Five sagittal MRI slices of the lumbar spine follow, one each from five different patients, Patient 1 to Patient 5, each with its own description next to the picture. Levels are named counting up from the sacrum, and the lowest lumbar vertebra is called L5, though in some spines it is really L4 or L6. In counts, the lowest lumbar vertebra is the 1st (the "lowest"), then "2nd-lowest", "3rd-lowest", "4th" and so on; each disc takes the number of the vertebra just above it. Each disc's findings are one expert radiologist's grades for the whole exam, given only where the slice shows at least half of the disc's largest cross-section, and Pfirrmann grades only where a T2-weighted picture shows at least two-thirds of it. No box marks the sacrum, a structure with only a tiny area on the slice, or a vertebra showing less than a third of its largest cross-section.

Patient 1 of 5:
Sagittal slice index 15; Lumbar spine MR, T1-weighted, sagittal; Sex M 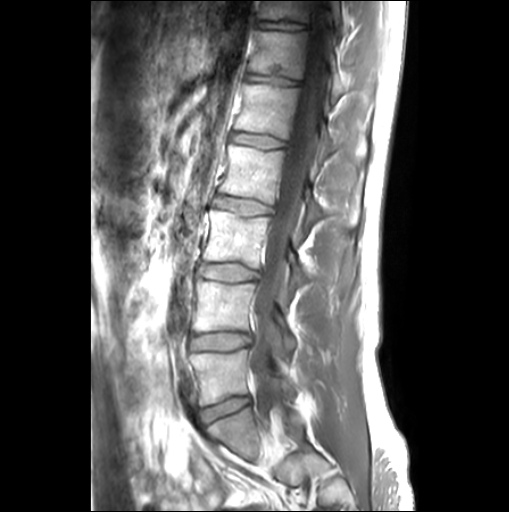 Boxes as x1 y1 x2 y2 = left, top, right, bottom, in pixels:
Segmented structures:
- lowest vertebra at 190 349 296 405
- 6th disc at 247 74 300 85
- 4th vertebra at 218 144 358 231
- spinal canal at 251 1 330 409
- 4th disc at 214 196 272 214
- 3rd-lowest vertebra at 202 208 306 297
- 6th vertebra at 249 30 345 102
- 7th vertebra at 257 0 346 30
- 3rd-lowest disc at 200 263 258 280
- 2nd-lowest disc at 191 333 249 348
- 7th disc at 256 20 308 30
- 5th vertebra at 234 84 365 174
- lowest disc at 199 397 249 422
- 2nd-lowest vertebra at 192 278 297 353
- 5th disc at 231 132 286 148

Radiological gradings:
• 7th disc: lower-endplate change, upper-endplate change
• 6th disc: lower-endplate change, upper-endplate change
• 5th disc: Modic type II
• lowest disc, 3rd-lowest disc, 2nd-lowest disc, 4th disc: no herniation, bulging, narrowing, spondylolisthesis, endplate or Modic change recorded

Patient 2 of 5:
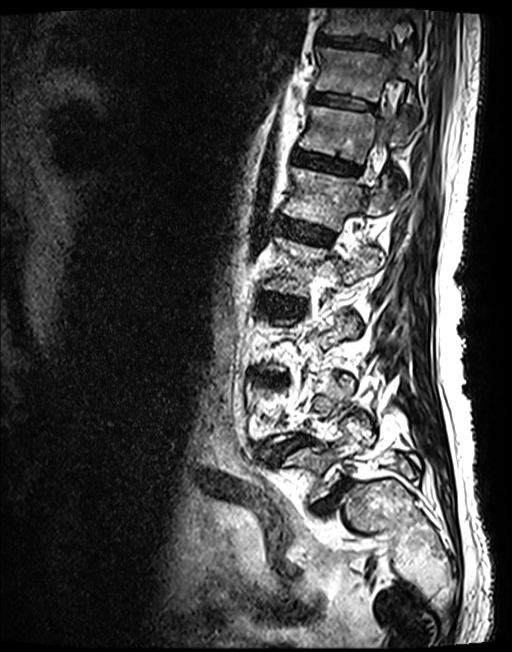 Field of view 240x306 mm, slice spacing 0.9 mm. MRI lumbar spine (T2 SPACE (3D)), sagittal plane.
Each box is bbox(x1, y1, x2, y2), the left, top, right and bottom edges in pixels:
7th disc at bbox(310, 92, 374, 109); 6th disc at bbox(292, 150, 359, 174); 7th vertebra at bbox(314, 47, 418, 118); lowest disc at bbox(331, 483, 341, 492); 5th disc at bbox(277, 218, 333, 244); 5th vertebra at bbox(282, 167, 391, 230); 8th disc at bbox(316, 34, 385, 50); 8th vertebra at bbox(320, 8, 422, 41); 4th disc at bbox(258, 292, 304, 314); 6th vertebra at bbox(299, 105, 406, 162); lowest vertebra at bbox(282, 421, 419, 499); 2nd-lowest disc at bbox(281, 437, 303, 449); 4th vertebra at bbox(263, 236, 381, 295).

Per-level radiological findings:
• 6th disc: Pfirrmann grade 3
• 4th disc: disc bulging
• 7th disc: Pfirrmann grade 3
• 5th disc: Pfirrmann grade 3
• 8th disc: Pfirrmann grade 3

Patient 3 of 5:
Sagittal slice index 9 | MRI lumbar spine (T2-weighted), sagittal plane 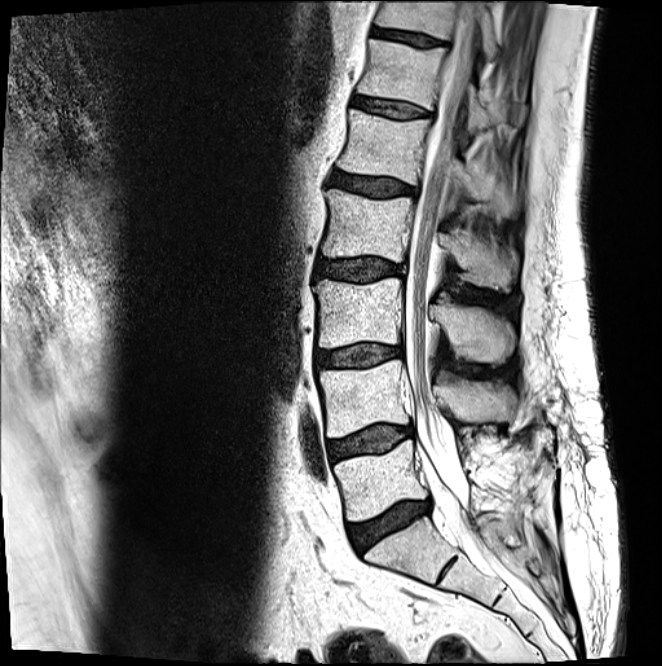
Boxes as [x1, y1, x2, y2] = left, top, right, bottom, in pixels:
5th disc = [332, 172, 415, 196].
3rd-lowest vertebra = [313, 278, 515, 364].
2nd-lowest vertebra = [319, 360, 515, 437].
Thecal sac / spinal canal = [405, 2, 479, 504].
Lowest disc = [348, 499, 430, 552].
Lowest vertebra = [334, 440, 512, 521].
7th disc = [372, 28, 441, 47].
4th disc = [317, 258, 404, 281].
6th vertebra = [357, 39, 492, 133].
4th vertebra = [322, 189, 518, 292].
2nd-lowest disc = [329, 425, 413, 461].
7th vertebra = [375, 1, 500, 58].
3rd-lowest disc = [316, 344, 401, 367].
6th disc = [353, 96, 428, 118].
5th vertebra = [338, 108, 519, 220].

Per-level radiological findings:
  3rd-lowest disc: Pfirrmann grade 2, Modic type II, disc bulging
  5th disc: Pfirrmann grade 3, disc bulging
  7th disc: Pfirrmann grade 3
  4th disc: Pfirrmann grade 3, disc bulging
  lowest disc: Pfirrmann grade 3, disc bulging, disc narrowing, Modic type II
  6th disc: Pfirrmann grade 2
  2nd-lowest disc: Pfirrmann grade 2, Modic type II, disc bulging

Patient 4 of 5:
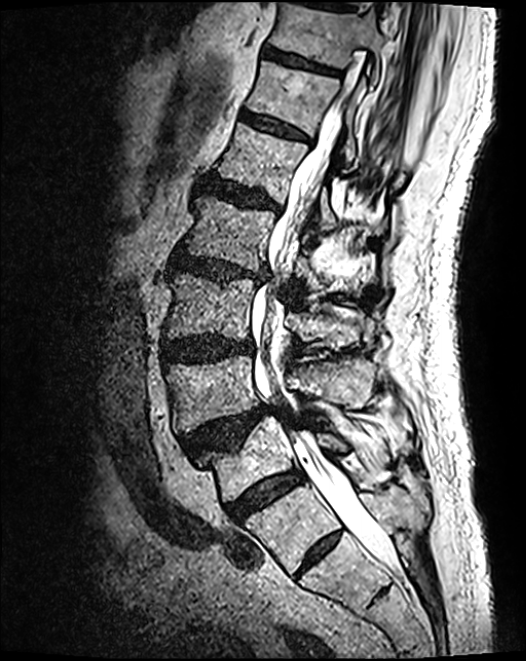 Sagittal T2 SPACE (3D) lumbar spine MRI. Sex M. Field of view 240x302 mm, slice spacing 0.9 mm.

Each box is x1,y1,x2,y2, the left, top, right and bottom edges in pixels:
Structures:
• L5/S1 (lowest disc): 227,471,303,521
• spinal canal: 252,103,394,568
• L2 (4th vertebra): 181,196,376,293
• L5 (lowest vertebra): 201,417,380,502
• IVD L3/L4 (3rd-lowest disc): 161,337,254,364
• L1 (5th vertebra): 217,124,337,238
• IVD L1/L2 (5th disc): 203,177,282,212
• L4/L5 (2nd-lowest disc): 181,404,276,458
• IVD T12/L1 (6th disc): 240,112,307,140
• L4 (2nd-lowest vertebra): 165,356,375,433
• T11 (7th vertebra): 269,2,383,84
• IVD L2/L3 (4th disc): 171,253,268,283
• T12 (6th vertebra): 246,61,365,167
• IVD T11/T12 (7th disc): 262,48,337,74
• L3 (3rd-lowest vertebra): 163,274,370,348

Expert MSK radiologist gradings (per disc):
  L4/L5 (2nd-lowest disc): Pfirrmann grade 4, upper-endplate change, spondylolisthesis, disc herniation
  L2/L3 (4th disc): Pfirrmann grade 4, disc bulging, upper-endplate change, disc narrowing, lower-endplate change
  L1/L2 (5th disc): Pfirrmann grade 4, disc bulging, lower-endplate change, upper-endplate change
  L5/S1 (lowest disc): Pfirrmann grade 4
  T12/L1 (6th disc): Pfirrmann grade 3
  L3/L4 (3rd-lowest disc): Pfirrmann grade 4, disc bulging
  T11/T12 (7th disc): Pfirrmann grade 3, lower-endplate change

Patient 5 of 5:
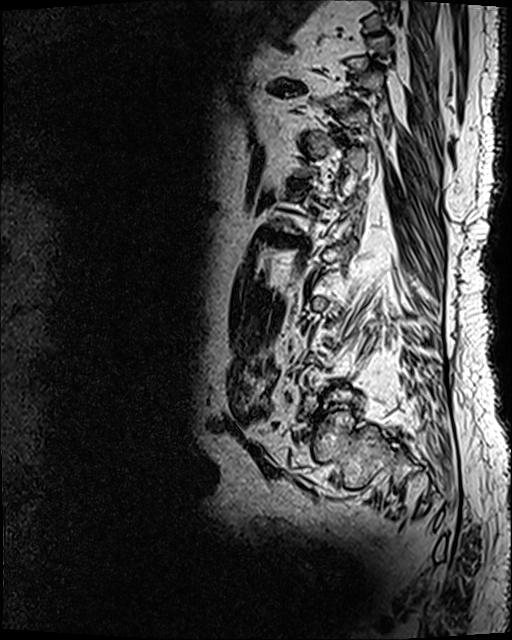 MRI lumbar spine (T2 SPACE (3D)), sagittal plane. Field of view 240x300 mm, slice spacing 0.9 mm. Patient sex: M.

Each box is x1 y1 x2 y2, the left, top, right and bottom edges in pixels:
Structures:
- L1/L2: 258 229 307 245
- IVD T10/T11: 271 85 300 91
- T12/L1: 288 179 309 188